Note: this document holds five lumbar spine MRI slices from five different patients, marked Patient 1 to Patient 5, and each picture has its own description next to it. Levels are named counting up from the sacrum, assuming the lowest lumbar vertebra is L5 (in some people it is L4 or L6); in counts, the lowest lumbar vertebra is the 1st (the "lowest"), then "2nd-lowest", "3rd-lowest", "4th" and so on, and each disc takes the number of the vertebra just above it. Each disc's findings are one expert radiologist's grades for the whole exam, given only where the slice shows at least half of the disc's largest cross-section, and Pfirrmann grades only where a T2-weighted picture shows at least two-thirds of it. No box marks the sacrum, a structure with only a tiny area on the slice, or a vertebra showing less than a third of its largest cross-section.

Patient 1 of 5:
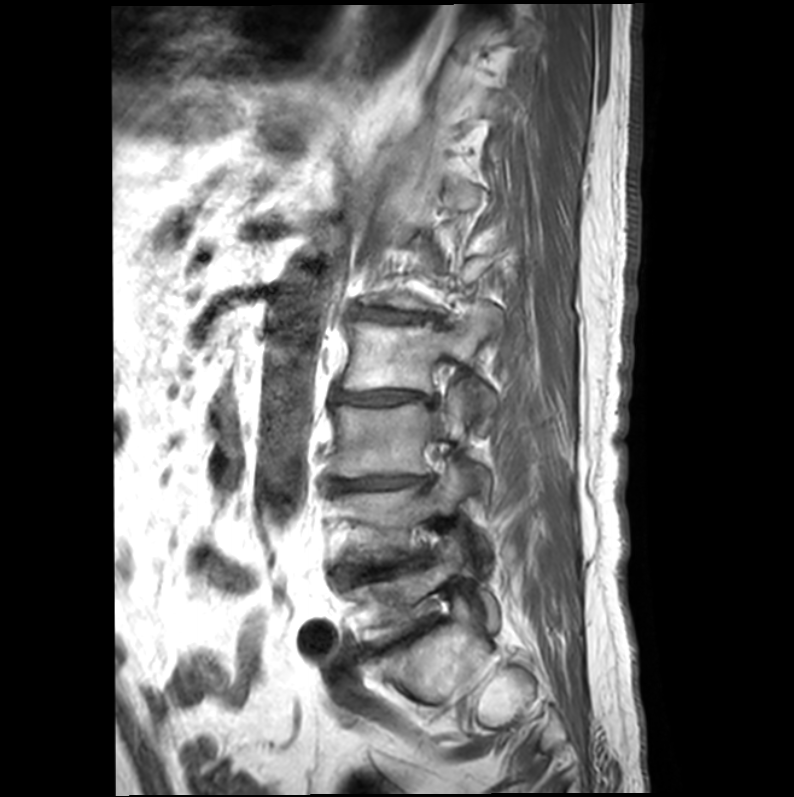

Sagittal T1-weighted lumbar spine MRI | Slice 16/22 | 794x797 px
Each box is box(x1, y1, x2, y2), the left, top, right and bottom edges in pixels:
L5 vertebra = box(348, 534, 499, 645).
L3 = box(329, 387, 489, 488).
L4 = box(334, 464, 485, 564).
Disc L4/L5 = box(337, 553, 427, 587).
L3/L4 = box(328, 477, 431, 492).
L1/L2 = box(350, 308, 435, 322).
L5/S1 = box(385, 627, 423, 650).
L2 = box(337, 303, 500, 415).
Disc L2/L3 = box(332, 390, 434, 405).

Degenerative findings by level:
  L1/L2: disc bulging, lower-endplate change, disc narrowing, upper-endplate change, Modic type II
  L4/L5: upper-endplate change, disc bulging, Modic type II, disc narrowing, lower-endplate change
  L2/L3: lower-endplate change, disc bulging, disc narrowing, upper-endplate change, Modic type II
  L3/L4: disc bulging, Modic type II, lower-endplate change, upper-endplate change, disc narrowing

Patient 2 of 5:
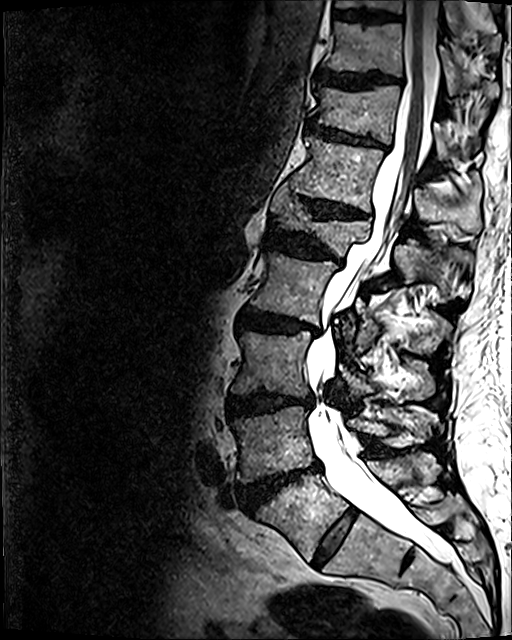 Slice 66/120 | Slice spacing 0.9 mm | Sagittal T2 SPACE (3D) lumbar spine MRI | Image 512x640
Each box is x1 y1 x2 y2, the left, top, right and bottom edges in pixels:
Segmented structures:
- L1 vertebra: 270 185 471 301
- IVD T12/L1: 301 198 369 218
- T11: 310 84 478 161
- L4 vertebra: 232 406 436 482
- spinal canal: 307 0 452 564
- IVD T9/T10: 334 10 398 21
- IVD L4/L5: 241 463 321 509
- L3: 230 331 434 398
- L2 vertebra: 251 252 451 352
- IVD L5/S1: 312 510 356 566
- L5 vertebra: 256 453 439 560
- T9: 335 0 501 54
- IVD L1/L2: 265 229 341 263
- T12: 288 137 480 231
- T10: 323 22 500 102
- T11/T12: 306 122 387 149
- L3/L4: 227 393 312 416
- IVD T10/T11: 317 70 401 89
- IVD L2/L3: 238 311 319 334

Per-level radiological findings:
  L4/L5: Pfirrmann grade 5, disc bulging, Modic type II, lower-endplate change, disc narrowing, disc herniation, upper-endplate change
  L1/L2: Pfirrmann grade 4, upper-endplate change, disc narrowing, disc bulging, lower-endplate change
  T12/L1: Pfirrmann grade 4, upper-endplate change, disc narrowing, lower-endplate change, disc bulging
  T10/T11: Pfirrmann grade 4, upper-endplate change, disc bulging, lower-endplate change
  L2/L3: Pfirrmann grade 4, Modic type II, disc narrowing, disc bulging, lower-endplate change, upper-endplate change
  L3/L4: Pfirrmann grade 4, lower-endplate change, upper-endplate change, disc bulging, disc narrowing
  L5/S1: Pfirrmann grade 2
  T9/T10: Pfirrmann grade 3, lower-endplate change
  T11/T12: Pfirrmann grade 4, disc bulging, upper-endplate change, disc narrowing, lower-endplate change

Patient 3 of 5:
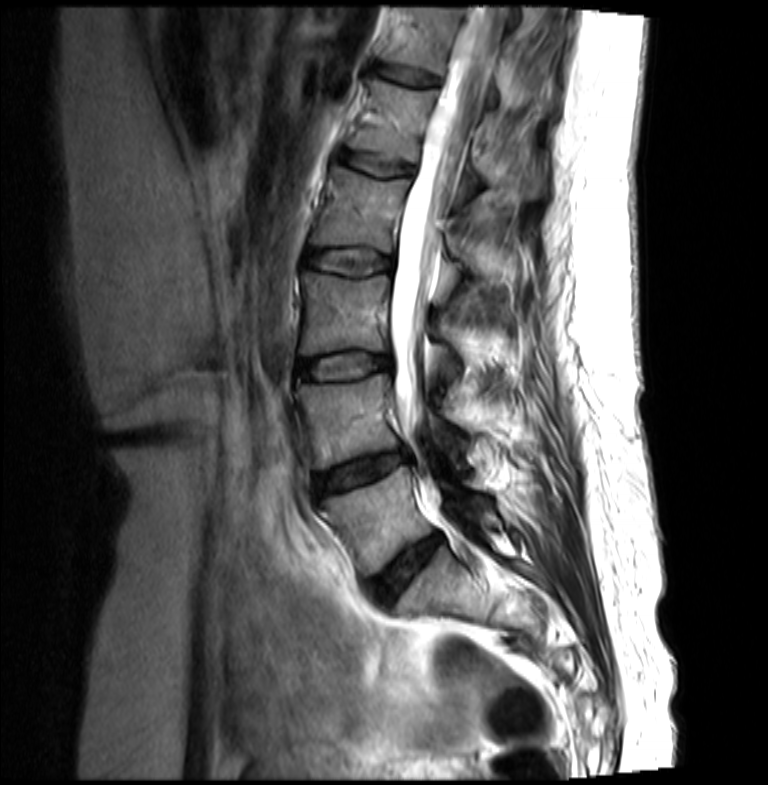 768x785 px. MRI lumbar spine (T2-weighted), sagittal plane.

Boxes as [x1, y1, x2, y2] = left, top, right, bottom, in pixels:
Annotations:
• thecal sac / spinal canal at [390, 10, 498, 438]
• T12 vertebra at [382, 8, 498, 108]
• L1 vertebra at [349, 78, 544, 201]
• L5 vertebra at [321, 447, 499, 575]
• IVD L3/L4 at [298, 354, 391, 378]
• T12/L1 at [377, 63, 437, 85]
• IVD L4/L5 at [315, 452, 409, 494]
• IVD L2/L3 at [306, 250, 392, 274]
• L5/S1 at [370, 535, 442, 603]
• L4 at [296, 374, 465, 469]
• L1/L2 at [341, 152, 411, 176]
• L3 vertebra at [299, 273, 459, 378]
• L2 vertebra at [311, 167, 516, 279]

Radiological gradings:
  L5/S1: disc bulging
  L1/L2: Pfirrmann grade 2
  L4/L5: Pfirrmann grade 3, disc herniation
  L2/L3: Pfirrmann grade 2
  L3/L4: Pfirrmann grade 2, disc bulging
  T12/L1: no spondylolisthesis, narrowing, bulging, herniation, Modic or endplate change recorded

Patient 4 of 5:
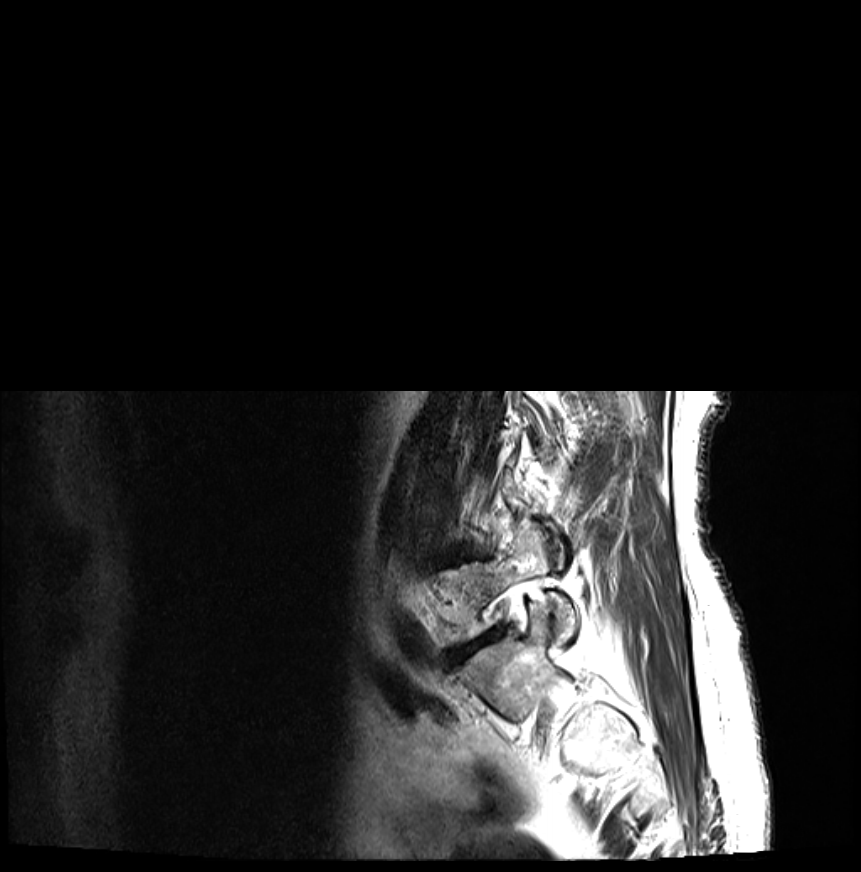 Field of view 300x304 mm. Patient sex: F. T2-weighted sagittal MRI of the lumbar spine.

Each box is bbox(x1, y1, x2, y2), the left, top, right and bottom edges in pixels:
Lowest vertebra = bbox(441, 521, 577, 642).
Lowest disc = bbox(449, 628, 503, 663).

Patient 5 of 5:
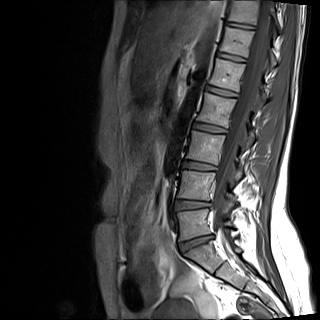
Lumbar spine MR, T1-weighted, sagittal, Sagittal slice index 8
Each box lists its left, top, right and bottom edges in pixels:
3rd-lowest disc = left=182, top=161, right=215, bottom=170.
5th vertebra = left=210, top=58, right=267, bottom=103.
5th disc = left=205, top=86, right=236, bottom=96.
3rd-lowest vertebra = left=186, top=131, right=242, bottom=180.
4th vertebra = left=197, top=93, right=254, bottom=146.
7th vertebra = left=228, top=0, right=280, bottom=31.
Thecal sac / spinal canal = left=213, top=0, right=272, bottom=252.
Lowest disc = left=179, top=236, right=212, bottom=249.
6th vertebra = left=220, top=27, right=276, bottom=67.
6th disc = left=217, top=53, right=246, bottom=61.
2nd-lowest disc = left=175, top=200, right=210, bottom=209.
Lowest vertebra = left=177, top=209, right=231, bottom=240.
2nd-lowest vertebra = left=177, top=171, right=235, bottom=206.
7th disc = left=226, top=21, right=254, bottom=29.
4th disc = left=193, top=123, right=225, bottom=133.

Degenerative findings by level:
• lowest disc: disc herniation, Modic type II, disc narrowing, disc bulging
• 2nd-lowest disc: disc narrowing
• 7th disc, 5th disc, 3rd-lowest disc, 6th disc, 4th disc: no spondylolisthesis, narrowing, bulging, herniation, Modic or endplate change recorded